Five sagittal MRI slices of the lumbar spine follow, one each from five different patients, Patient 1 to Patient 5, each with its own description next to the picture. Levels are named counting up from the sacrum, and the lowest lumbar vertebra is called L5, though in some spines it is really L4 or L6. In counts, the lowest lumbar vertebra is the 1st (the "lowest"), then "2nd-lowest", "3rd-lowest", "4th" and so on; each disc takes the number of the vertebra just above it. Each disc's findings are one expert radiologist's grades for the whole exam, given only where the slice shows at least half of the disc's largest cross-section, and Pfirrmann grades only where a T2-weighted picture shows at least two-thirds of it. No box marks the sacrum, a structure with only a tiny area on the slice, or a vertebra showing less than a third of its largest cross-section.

Patient 1 of 5:
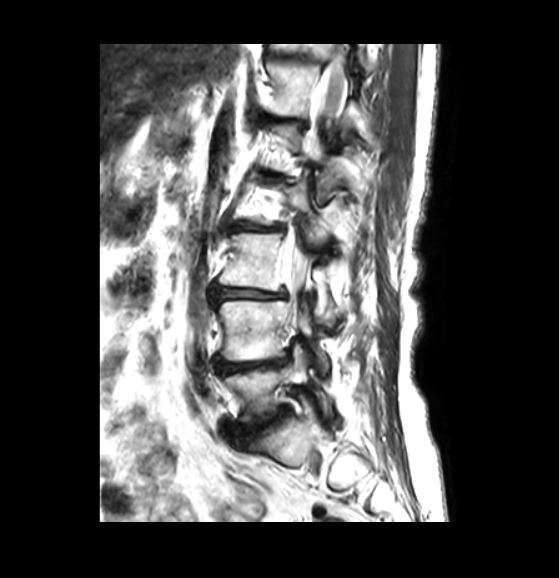
Patient sex: F. T2-weighted sagittal MRI of the lumbar spine.
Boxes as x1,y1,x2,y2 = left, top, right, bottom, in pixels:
T12 vertebra at 263,61,366,130; L5/S1 at 245,408,287,441; L4 vertebra at 218,300,329,373; L3 at 220,233,344,326; L5 vertebra at 223,355,331,422; L1 vertebra at 271,123,370,197; L3/L4 at 215,287,284,298; spinal canal at 283,62,346,316; T11/T12 at 268,53,321,63; T12/L1 at 266,116,305,126; L2 vertebra at 230,179,356,247; disc L2/L3 at 230,221,277,230; T11 at 270,42,334,59; disc L4/L5 at 216,356,287,372.

Degenerative findings by level:
- T11/T12: Pfirrmann grade 4, disc narrowing
- L4/L5: disc bulging
- L3/L4: Pfirrmann grade 3, disc narrowing, disc bulging

Patient 2 of 5:
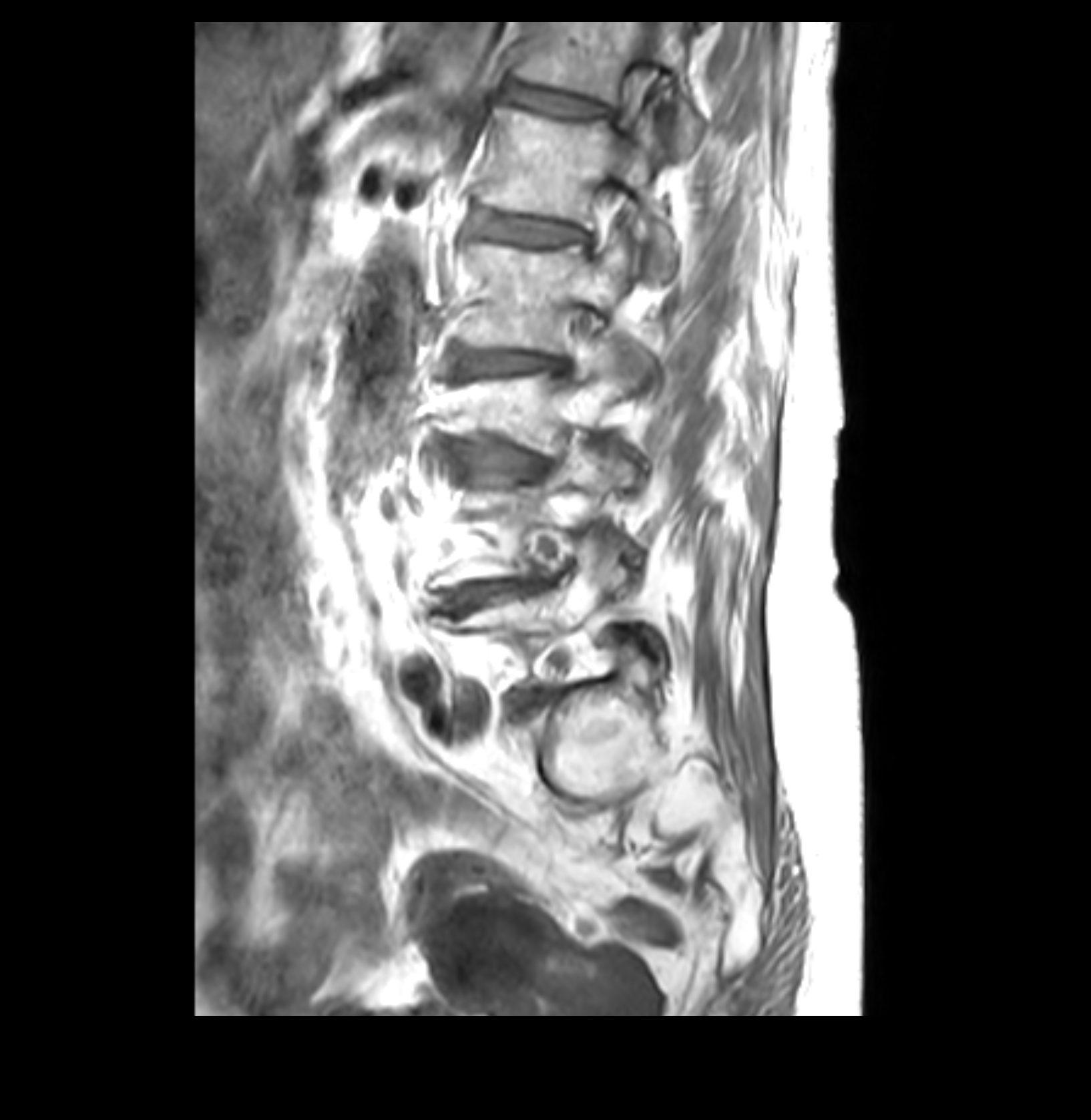 Sagittal slice index 24. Lumbar spine MR, T1-weighted, sagittal.
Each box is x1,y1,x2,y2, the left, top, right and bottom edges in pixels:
L3 (3rd-lowest vertebra) = 439,353,647,451.
Disc L4/L5 (2nd-lowest disc) = 441,578,545,610.
T12 (6th vertebra) = 516,20,703,148.
L1/L2 (5th disc) = 473,210,584,244.
L5 (lowest vertebra) = 448,536,664,685.
L2/L3 (4th disc) = 458,351,562,373.
L5/S1 (lowest disc) = 519,692,542,708.
L3/L4 (3rd-lowest disc) = 448,441,545,480.
T12/L1 (6th disc) = 501,78,608,116.
L1 (5th vertebra) = 480,109,676,281.
L4 (2nd-lowest vertebra) = 436,449,640,584.
L2 (4th vertebra) = 463,238,632,352.

Degenerative findings by level:
  L3/L4 (3rd-lowest disc): disc bulging, Modic type II, disc narrowing, upper-endplate change
  T12/L1 (6th disc): disc bulging, upper-endplate change
  L1/L2 (5th disc): lower-endplate change, upper-endplate change

Patient 3 of 5:
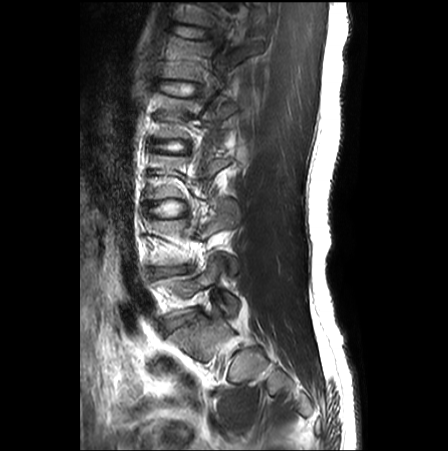 Slice 7/27, Field of view 280x282 mm, Sagittal T2-weighted lumbar spine MRI

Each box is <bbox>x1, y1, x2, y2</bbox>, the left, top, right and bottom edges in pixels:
{"L4/L5 (2nd-lowest disc)": "<bbox>156, 267, 185, 274</bbox>", "IVD L2/L3 (4th disc)": "<bbox>154, 142, 187, 153</bbox>", "L1 (5th vertebra)": "<bbox>164, 37, 260, 80</bbox>", "IVD L3/L4 (3rd-lowest disc)": "<bbox>147, 200, 186, 217</bbox>", "L5 (lowest vertebra)": "<bbox>153, 257, 238, 317</bbox>", "L5/S1 (lowest disc)": "<bbox>168, 312, 197, 327</bbox>", "IVD T12/L1 (6th disc)": "<bbox>178, 26, 201, 37</bbox>", "L1/L2 (5th disc)": "<bbox>166, 82, 187, 93</bbox>"}

Patient 4 of 5:
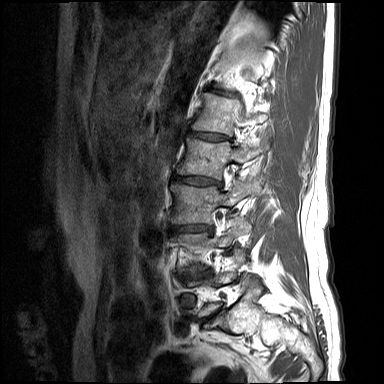 Lumbar spine MR, T1-weighted, sagittal. Patient sex: F. Slice 13 of 17.

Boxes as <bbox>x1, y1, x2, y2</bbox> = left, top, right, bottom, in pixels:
{"lowest disc": "<bbox>200, 308, 222, 322</bbox>", "3rd-lowest disc": "<bbox>170, 224, 213, 233</bbox>", "5th vertebra": "<bbox>192, 93, 269, 136</bbox>", "4th vertebra": "<bbox>177, 137, 269, 179</bbox>", "4th disc": "<bbox>173, 175, 222, 187</bbox>", "lowest vertebra": "<bbox>188, 248, 246, 316</bbox>", "6th disc": "<bbox>208, 88, 236, 94</bbox>", "2nd-lowest vertebra": "<bbox>173, 215, 250, 270</bbox>", "5th disc": "<bbox>189, 132, 228, 140</bbox>", "3rd-lowest vertebra": "<bbox>170, 177, 256, 223</bbox>", "2nd-lowest disc": "<bbox>179, 271, 210, 279</bbox>"}

Per-level radiological findings:
- 5th disc: disc narrowing, upper-endplate change, lower-endplate change
- 4th disc: upper-endplate change, disc bulging, disc narrowing, lower-endplate change
- 3rd-lowest disc: disc bulging, disc narrowing, upper-endplate change, lower-endplate change

Patient 5 of 5:
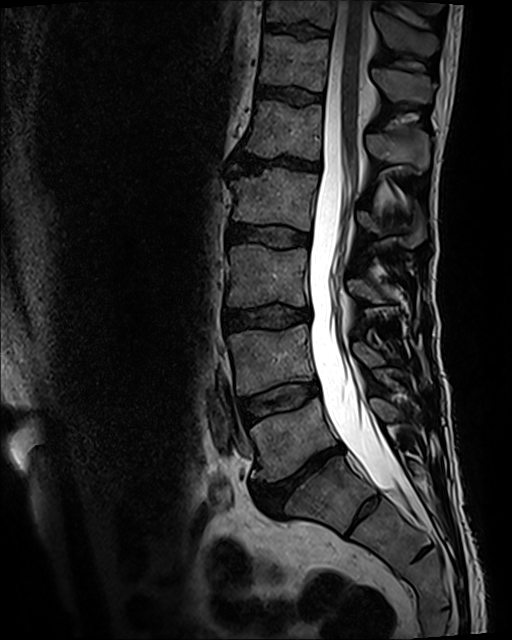

Sagittal slice index 64, Lumbar spine MR, T2 SPACE (3D), sagittal, Patient sex: M

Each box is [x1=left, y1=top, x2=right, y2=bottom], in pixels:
Structures:
* T11/T12 (7th disc) = [x1=265, y1=23, x2=328, y2=37]
* L4 (2nd-lowest vertebra) = [x1=228, y1=325, x2=385, y2=395]
* disc L4/L5 (2nd-lowest disc) = [x1=240, y1=382, x2=318, y2=422]
* T12 (6th vertebra) = [x1=259, y1=35, x2=433, y2=103]
* L1/L2 (5th disc) = [x1=233, y1=152, x2=320, y2=175]
* T11 (7th vertebra) = [x1=267, y1=0, x2=438, y2=54]
* L5 (lowest vertebra) = [x1=250, y1=398, x2=403, y2=481]
* disc L3/L4 (3rd-lowest disc) = [x1=222, y1=305, x2=310, y2=330]
* L2 (4th vertebra) = [x1=231, y1=167, x2=424, y2=245]
* disc L5/S1 (lowest disc) = [x1=254, y1=444, x2=343, y2=510]
* L2/L3 (4th disc) = [x1=227, y1=223, x2=311, y2=247]
* spinal canal = [x1=308, y1=0, x2=411, y2=506]
* L1 (5th vertebra) = [x1=244, y1=101, x2=428, y2=172]
* L3 (3rd-lowest vertebra) = [x1=227, y1=244, x2=382, y2=306]
* T12/L1 (6th disc) = [x1=257, y1=85, x2=320, y2=104]

Radiological gradings:
- T12/L1 (6th disc): Pfirrmann grade 3
- L5/S1 (lowest disc): Pfirrmann grade 5, lower-endplate change, disc bulging, disc narrowing, Modic type II, upper-endplate change
- T11/T12 (7th disc): Pfirrmann grade 3, upper-endplate change, lower-endplate change
- L3/L4 (3rd-lowest disc): Pfirrmann grade 3, disc bulging, upper-endplate change, lower-endplate change
- L2/L3 (4th disc): Pfirrmann grade 3
- L1/L2 (5th disc): Pfirrmann grade 5, disc narrowing, disc bulging, Modic type II, upper-endplate change, lower-endplate change
- L4/L5 (2nd-lowest disc): Pfirrmann grade 3, Modic type II